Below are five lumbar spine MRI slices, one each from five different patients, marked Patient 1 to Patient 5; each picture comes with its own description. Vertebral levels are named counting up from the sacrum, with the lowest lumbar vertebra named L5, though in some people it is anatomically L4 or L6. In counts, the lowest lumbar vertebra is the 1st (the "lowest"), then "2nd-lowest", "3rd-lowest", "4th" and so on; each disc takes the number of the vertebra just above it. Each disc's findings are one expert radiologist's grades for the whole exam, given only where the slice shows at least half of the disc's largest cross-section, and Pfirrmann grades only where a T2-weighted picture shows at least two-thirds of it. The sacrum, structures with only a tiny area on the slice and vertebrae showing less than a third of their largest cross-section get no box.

Patient 1 of 5:
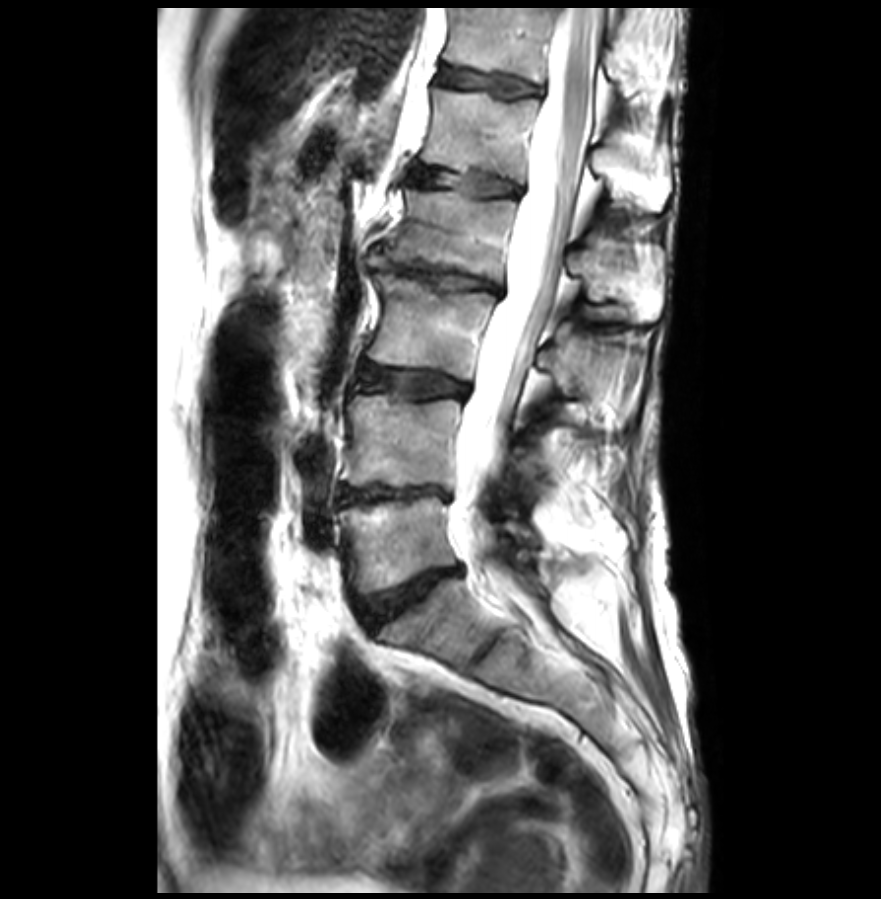 881x899 px; Sex F; Slice 17 of 31; T2-weighted sagittal MRI of the lumbar spine
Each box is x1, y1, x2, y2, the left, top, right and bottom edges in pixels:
disc L3/L4 (3rd-lowest disc): 360, 364, 465, 396 | L1 (5th vertebra): 421, 88, 670, 210 | L1/L2 (5th disc): 413, 168, 520, 196 | L4 (2nd-lowest vertebra): 342, 393, 534, 486 | T12 (6th vertebra): 445, 7, 676, 97 | T12/L1 (6th disc): 439, 67, 544, 97 | L3 (3rd-lowest vertebra): 368, 274, 591, 394 | L2 (4th vertebra): 380, 190, 662, 321 | thecal sac / spinal canal: 454, 7, 599, 562 | L2/L3 (4th disc): 368, 249, 503, 295 | disc L4/L5 (2nd-lowest disc): 338, 484, 451, 505 | disc L5/S1 (lowest disc): 362, 569, 459, 624 | L5 (lowest vertebra): 338, 495, 536, 592

Per-level radiological findings:
• L1/L2 (5th disc): Pfirrmann grade 2, lower-endplate change, Modic type II, upper-endplate change
• L3/L4 (3rd-lowest disc): Pfirrmann grade 3, Modic type II, disc bulging
• L5/S1 (lowest disc): Pfirrmann grade 3, disc narrowing, upper-endplate change, lower-endplate change, disc bulging
• L4/L5 (2nd-lowest disc): Pfirrmann grade 5, Modic type II, disc bulging, disc narrowing
• L2/L3 (4th disc): Pfirrmann grade 5, disc herniation, lower-endplate change, disc narrowing, disc bulging, Modic type II, upper-endplate change
• T12/L1 (6th disc): Pfirrmann grade 2, lower-endplate change, upper-endplate change

Patient 2 of 5:
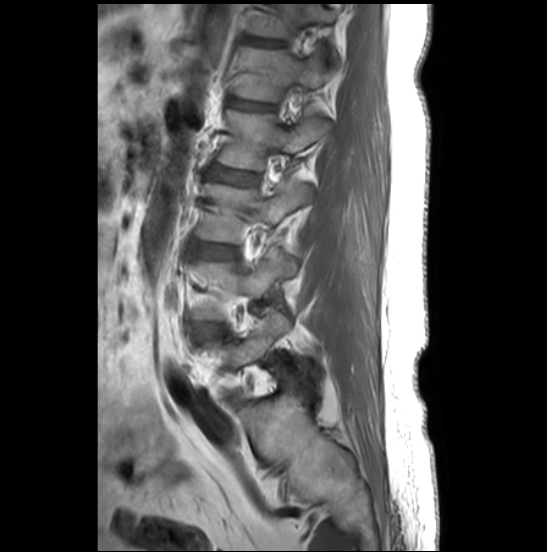

Sagittal slice index 20; Lumbar spine MR, T1-weighted, sagittal; Patient sex: F

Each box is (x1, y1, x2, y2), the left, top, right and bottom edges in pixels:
L1 vertebra — (235, 44, 324, 102).
L4 vertebra — (195, 253, 297, 319).
Disc L2/L3 — (211, 167, 253, 185).
L2 — (217, 109, 326, 170).
L1/L2 — (228, 100, 271, 110).
T12/L1 — (244, 37, 284, 47).
L3/L4 — (202, 247, 230, 258).
T12 vertebra — (247, 3, 336, 62).
L3 — (197, 178, 310, 243).

Expert MSK radiologist gradings (per disc):
- T12/L1: lower-endplate change, upper-endplate change
- L2/L3: no spondylolisthesis, narrowing, bulging, herniation, Modic or endplate change recorded

Patient 3 of 5:
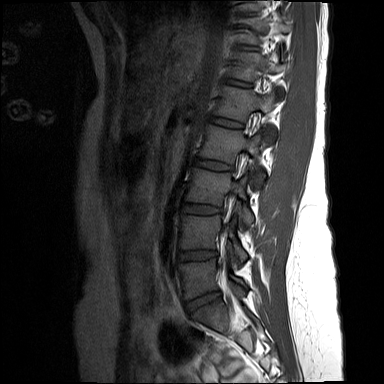 384x384 px. Lumbar spine MR, T1-weighted, sagittal. Slice 5 of 15.
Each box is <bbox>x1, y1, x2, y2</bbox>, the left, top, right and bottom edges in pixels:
2nd-lowest vertebra: <bbox>180, 215, 247, 262</bbox>.
5th vertebra: <bbox>215, 86, 276, 144</bbox>.
4th vertebra: <bbox>199, 125, 264, 188</bbox>.
2nd-lowest disc: <bbox>178, 251, 216, 260</bbox>.
5th disc: <bbox>210, 116, 242, 127</bbox>.
6th disc: <bbox>229, 81, 249, 86</bbox>.
4th disc: <bbox>193, 158, 231, 170</bbox>.
Lowest vertebra: <bbox>179, 258, 246, 298</bbox>.
7th vertebra: <bbox>242, 16, 290, 43</bbox>.
3rd-lowest disc: <bbox>182, 202, 220, 214</bbox>.
3rd-lowest vertebra: <bbox>187, 168, 253, 224</bbox>.
Lowest disc: <bbox>185, 292, 219, 312</bbox>.
6th vertebra: <bbox>233, 53, 289, 98</bbox>.

Per-level radiological findings:
- 4th disc, 5th disc, 3rd-lowest disc, 2nd-lowest disc, lowest disc: no Modic or endplate change, herniation, narrowing, bulging or spondylolisthesis recorded

Patient 4 of 5:
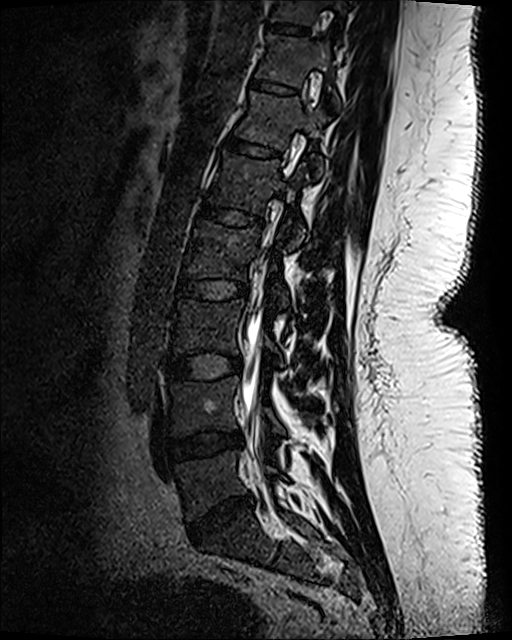 Lumbar spine MR, T2 SPACE (3D), sagittal | Sagittal slice index 47
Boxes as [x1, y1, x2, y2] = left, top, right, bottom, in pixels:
Segmented structures:
- 8th disc at [267, 23, 309, 35]
- 3rd-lowest disc at [167, 353, 242, 380]
- 4th vertebra at [185, 220, 288, 306]
- 7th disc at [249, 78, 297, 95]
- 5th disc at [197, 200, 264, 228]
- 8th vertebra at [269, 0, 348, 25]
- 7th vertebra at [256, 34, 340, 106]
- lowest vertebra at [176, 451, 275, 519]
- 2nd-lowest vertebra at [169, 377, 284, 434]
- 5th vertebra at [208, 152, 305, 242]
- 6th vertebra at [235, 92, 325, 174]
- lowest disc at [186, 495, 252, 541]
- 4th disc at [177, 278, 247, 301]
- 3rd-lowest vertebra at [174, 301, 283, 365]
- spinal canal at [241, 251, 269, 465]
- 6th disc at [226, 135, 280, 160]
- 2nd-lowest disc at [167, 431, 242, 462]

Radiological gradings:
• 6th disc: Pfirrmann grade 1
• 3rd-lowest disc: Pfirrmann grade 1
• 5th disc: Pfirrmann grade 1
• 2nd-lowest disc: Pfirrmann grade 3, disc narrowing, disc bulging
• 7th disc: Pfirrmann grade 1
• lowest disc: Pfirrmann grade 4, disc narrowing, disc bulging
• 4th disc: Pfirrmann grade 1
• 8th disc: no herniation, bulging, narrowing, spondylolisthesis, endplate or Modic change recorded

Patient 5 of 5:
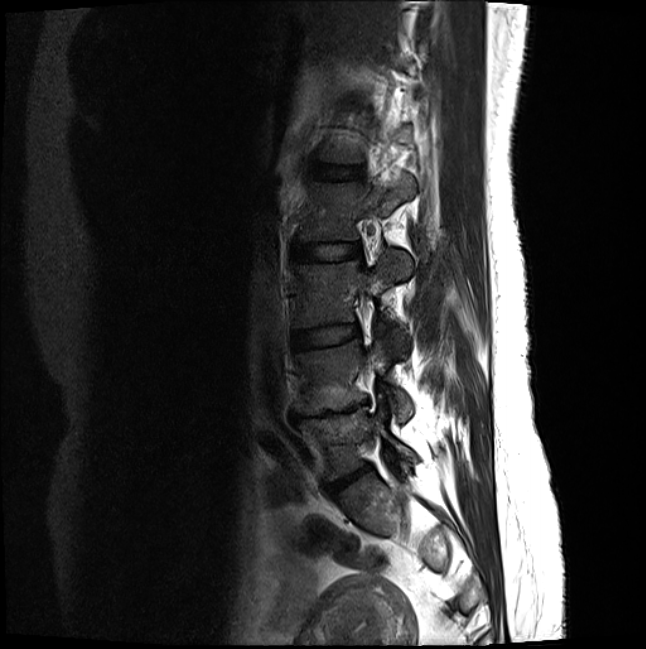 Slice 6 of 20, T2-weighted sagittal MRI of the lumbar spine, Field of view 300x302 mm, slice spacing 3.3 mm

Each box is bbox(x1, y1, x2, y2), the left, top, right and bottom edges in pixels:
disc L5/S1 at bbox(328, 465, 370, 491) | disc L3/L4 at bbox(293, 325, 358, 348) | disc L1/L2 at bbox(311, 163, 362, 179) | L4 vertebra at bbox(294, 339, 413, 421) | disc L2/L3 at bbox(291, 242, 360, 259) | L2 vertebra at bbox(300, 175, 415, 240) | L3 at bbox(294, 251, 413, 347) | L4/L5 at bbox(291, 401, 367, 421) | L5 at bbox(298, 407, 415, 480)

Expert MSK radiologist gradings (per disc):
• L2/L3: Pfirrmann grade 2
• L1/L2: Pfirrmann grade 2
• L3/L4: Pfirrmann grade 2